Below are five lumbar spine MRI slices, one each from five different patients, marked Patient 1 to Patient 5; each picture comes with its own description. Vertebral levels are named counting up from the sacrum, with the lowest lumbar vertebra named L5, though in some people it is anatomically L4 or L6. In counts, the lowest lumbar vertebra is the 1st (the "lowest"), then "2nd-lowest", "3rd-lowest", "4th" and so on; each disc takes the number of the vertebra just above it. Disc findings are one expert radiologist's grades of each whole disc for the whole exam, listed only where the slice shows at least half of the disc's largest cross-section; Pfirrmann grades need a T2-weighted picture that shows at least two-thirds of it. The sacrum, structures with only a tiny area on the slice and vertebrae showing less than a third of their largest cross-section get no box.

Patient 1 of 5:
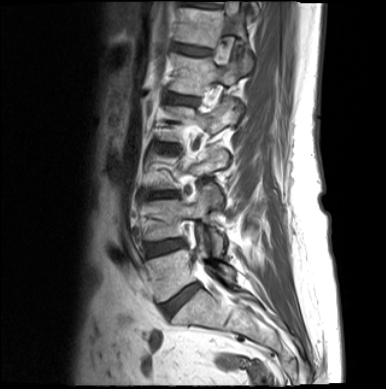

Sagittal slice index 4. Sagittal T1-weighted lumbar spine MRI.

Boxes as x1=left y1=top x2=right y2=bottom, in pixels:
5th vertebra: x1=169 y1=53 x2=240 y2=95.
5th disc: x1=166 y1=93 x2=195 y2=105.
3rd-lowest disc: x1=155 y1=192 x2=171 y2=196.
6th vertebra: x1=176 y1=8 x2=252 y2=73.
2nd-lowest disc: x1=145 y1=240 x2=185 y2=256.
Lowest disc: x1=163 y1=284 x2=199 y2=315.
6th disc: x1=176 y1=44 x2=210 y2=55.
Lowest vertebra: x1=146 y1=235 x2=234 y2=301.
2nd-lowest vertebra: x1=145 y1=187 x2=222 y2=255.
4th vertebra: x1=164 y1=99 x2=239 y2=140.

Expert MSK radiologist gradings (per disc):
- 5th disc: disc bulging
- lowest disc: disc bulging
- 2nd-lowest disc: disc bulging
- 6th disc: no Modic or endplate change, herniation, narrowing, bulging or spondylolisthesis recorded

Patient 2 of 5:
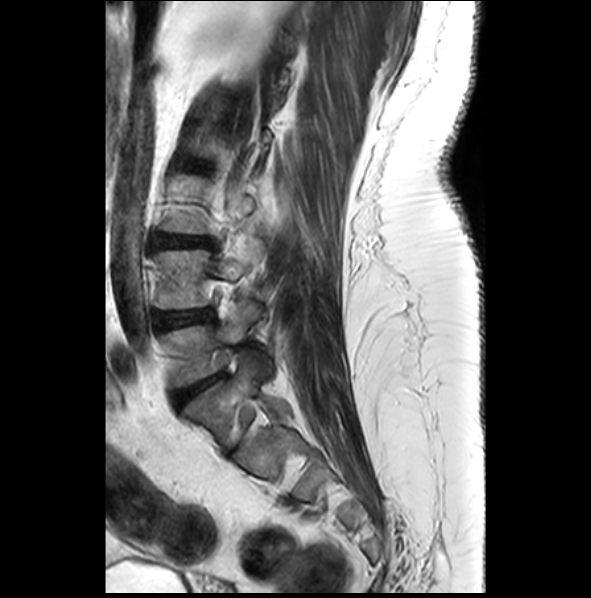 MRI lumbar spine (T2-weighted), sagittal plane | Slice 8/28 | Patient sex: F

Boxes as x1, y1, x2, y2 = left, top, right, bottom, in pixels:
{"2nd-lowest vertebra": "154, 239, 264, 308", "lowest disc": "173, 374, 223, 408", "2nd-lowest disc": "156, 309, 211, 328", "lowest vertebra": "161, 304, 259, 385", "3rd-lowest disc": "153, 234, 215, 247"}

Radiological gradings:
- 3rd-lowest disc: Pfirrmann grade 3, Modic type II, upper-endplate change, disc bulging, disc narrowing, lower-endplate change
- 2nd-lowest disc: Pfirrmann grade 3, disc bulging

Patient 3 of 5:
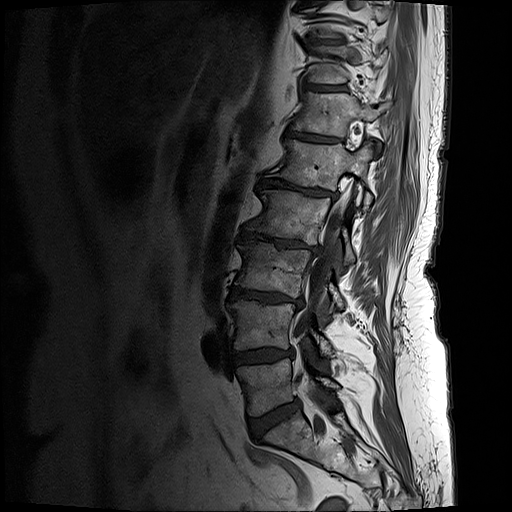 Lumbar spine MR, T1-weighted, sagittal | Image 512x512 | Slice spacing 3.3 mm
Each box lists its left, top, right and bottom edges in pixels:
Lowest vertebra = left=238, top=359, right=339, bottom=416.
3rd-lowest disc = left=230, top=287, right=302, bottom=305.
Spinal canal = left=298, top=189, right=348, bottom=336.
6th disc = left=286, top=131, right=333, bottom=141.
7th vertebra = left=309, top=47, right=384, bottom=84.
5th disc = left=259, top=180, right=337, bottom=198.
4th vertebra = left=246, top=190, right=353, bottom=265.
2nd-lowest disc = left=230, top=349, right=292, bottom=366.
3rd-lowest vertebra = left=236, top=241, right=341, bottom=307.
5th vertebra = left=267, top=139, right=371, bottom=208.
7th disc = left=306, top=85, right=331, bottom=90.
6th vertebra = left=294, top=93, right=380, bottom=137.
4th disc = left=241, top=231, right=319, bottom=251.
8th disc = left=308, top=40, right=341, bottom=43.
2nd-lowest vertebra = left=230, top=301, right=332, bottom=356.
Lowest disc = left=249, top=401, right=300, bottom=438.

Per-level radiological findings:
• lowest disc: disc bulging
• 3rd-lowest disc: lower-endplate change, disc narrowing, Modic type II, disc bulging, upper-endplate change
• 6th disc: Modic type II, lower-endplate change, upper-endplate change
• 5th disc: disc narrowing, lower-endplate change, disc bulging, upper-endplate change, Modic type II
• 2nd-lowest disc: upper-endplate change, lower-endplate change, disc bulging
• 4th disc: lower-endplate change, disc bulging, upper-endplate change, disc narrowing, Modic type II

Patient 4 of 5:
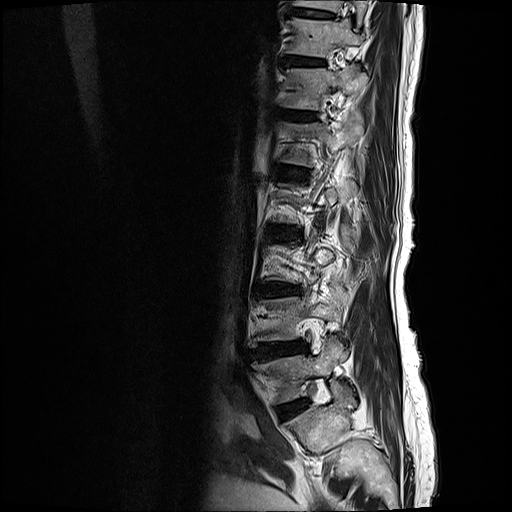
512x512 px; Sagittal T2-weighted lumbar spine MRI; Field of view 300x300 mm

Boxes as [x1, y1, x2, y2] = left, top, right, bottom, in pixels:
7th disc — [283, 55, 323, 64] | 8th vertebra — [292, 0, 366, 24] | 8th disc — [289, 9, 332, 17] | 4th disc — [272, 226, 302, 239] | 5th disc — [275, 166, 307, 181] | 7th vertebra — [286, 17, 362, 57] | 5th vertebra — [280, 118, 363, 166] | 6th vertebra — [282, 66, 367, 109] | lowest vertebra — [257, 338, 347, 403] | 6th disc — [280, 110, 316, 120] | 2nd-lowest disc — [255, 343, 306, 357] | 3rd-lowest disc — [258, 283, 296, 295] | lowest disc — [285, 405, 302, 416]

Radiological gradings:
  7th disc: lower-endplate change, Modic type II, upper-endplate change
  5th disc: lower-endplate change, Modic type II, upper-endplate change
  8th disc: Pfirrmann grade 2, upper-endplate change, lower-endplate change
  6th disc: upper-endplate change, lower-endplate change, Modic type II
  2nd-lowest disc: disc narrowing, disc bulging, upper-endplate change, Modic type II, lower-endplate change

Patient 5 of 5:
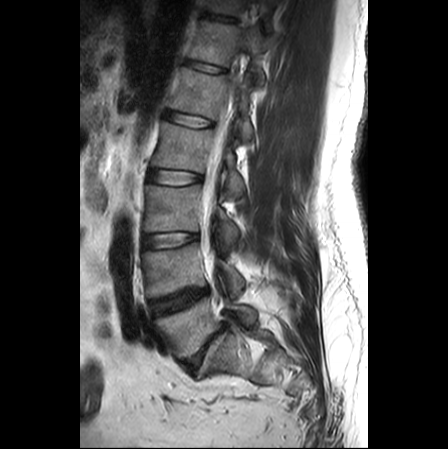
Sagittal slice index 15, Lumbar spine MR, T2-weighted, sagittal
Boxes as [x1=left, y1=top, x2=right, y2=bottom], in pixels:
L1 vertebra = [x1=169, y1=68, x2=253, y2=140].
L3 = [x1=144, y1=185, x2=238, y2=249].
L4 vertebra = [x1=142, y1=243, x2=244, y2=297].
L4/L5 = [x1=149, y1=289, x2=207, y2=314].
Spinal canal = [x1=201, y1=93, x2=233, y2=262].
Disc L1/L2 = [x1=164, y1=111, x2=213, y2=126].
Disc L5/S1 = [x1=181, y1=327, x2=224, y2=373].
Disc L2/L3 = [x1=149, y1=170, x2=201, y2=185].
L5 vertebra = [x1=155, y1=297, x2=256, y2=358].
T12 vertebra = [x1=188, y1=20, x2=266, y2=83].
L3/L4 = [x1=143, y1=232, x2=197, y2=246].
T11/T12 = [x1=200, y1=13, x2=235, y2=21].
T11 vertebra = [x1=207, y1=0, x2=245, y2=15].
L2 = [x1=152, y1=122, x2=244, y2=199].
T12/L1 = [x1=184, y1=60, x2=224, y2=73].

Per-level radiological findings:
  L1/L2: Pfirrmann grade 1
  L3/L4: Pfirrmann grade 1
  L2/L3: Pfirrmann grade 1
  T12/L1: Pfirrmann grade 1
  L4/L5: Pfirrmann grade 4, disc bulging, Modic type II
  L5/S1: Modic type II, disc bulging, disc narrowing
  T11/T12: no spondylolisthesis, narrowing, bulging, herniation, Modic or endplate change recorded